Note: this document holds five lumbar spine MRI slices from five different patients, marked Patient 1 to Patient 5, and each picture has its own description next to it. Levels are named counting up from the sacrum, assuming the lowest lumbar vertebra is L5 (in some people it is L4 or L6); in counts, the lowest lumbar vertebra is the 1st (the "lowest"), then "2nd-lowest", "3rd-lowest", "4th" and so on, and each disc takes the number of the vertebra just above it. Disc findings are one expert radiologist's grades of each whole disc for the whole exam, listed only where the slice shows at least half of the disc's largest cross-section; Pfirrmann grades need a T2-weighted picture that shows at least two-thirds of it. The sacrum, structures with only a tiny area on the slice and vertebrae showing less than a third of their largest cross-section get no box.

Patient 1 of 5:
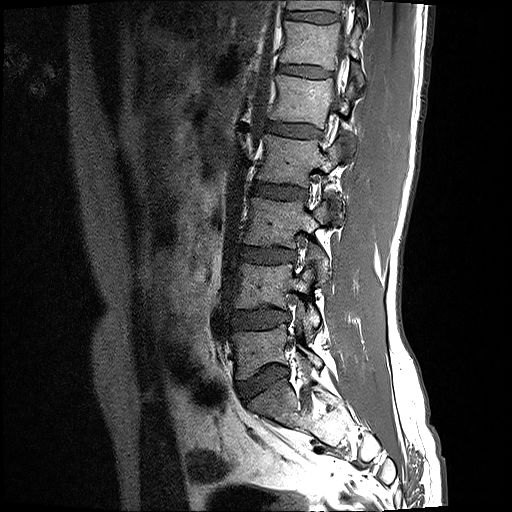 Sex M | Lumbar spine MR, T1-weighted, sagittal | Slice 6 of 17
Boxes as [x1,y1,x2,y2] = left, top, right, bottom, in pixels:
3rd-lowest vertebra at [244,197,335,282], 7th vertebra at [287,0,366,19], 6th disc at [278,65,329,78], lowest disc at [237,366,288,399], 5th vertebra at [270,75,355,128], 4th vertebra at [257,134,354,207], 3rd-lowest disc at [241,246,295,263], 6th vertebra at [281,21,364,87], 7th disc at [285,11,338,23], 4th disc at [253,182,306,198], 2nd-lowest vertebra at [234,263,319,337], 2nd-lowest disc at [231,309,289,329], 5th disc at [266,121,319,137], lowest vertebra at [232,324,322,379].

Radiological gradings:
- 2nd-lowest disc: disc bulging
- 3rd-lowest disc: disc bulging
- lowest disc: disc bulging
- 4th disc, 6th disc, 5th disc, 7th disc: no herniation, bulging, narrowing, spondylolisthesis, endplate or Modic change recorded

Patient 2 of 5:
MRI lumbar spine (T2-weighted), sagittal plane. Field of view 280x280 mm. Sex M. Sagittal slice index 9.

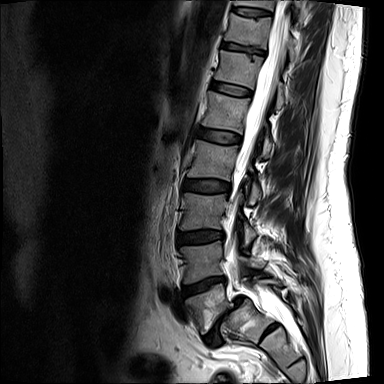
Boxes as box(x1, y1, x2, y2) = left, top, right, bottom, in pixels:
4th vertebra = box(187, 140, 260, 203).
4th disc = box(183, 179, 230, 193).
6th vertebra = box(215, 50, 284, 108).
2nd-lowest disc = box(183, 277, 226, 295).
Lowest disc = box(204, 297, 243, 346).
5th vertebra = box(202, 91, 272, 156).
8th disc = box(234, 7, 271, 16).
2nd-lowest vertebra = box(179, 241, 261, 283).
3rd-lowest vertebra = box(179, 193, 256, 243).
Lowest vertebra = box(186, 279, 283, 333).
8th vertebra = box(235, 0, 302, 17).
7th vertebra = box(224, 13, 296, 60).
7th disc = box(222, 42, 265, 55).
6th disc = box(212, 81, 251, 95).
5th disc = box(199, 128, 241, 143).
3rd-lowest disc = box(177, 230, 224, 244).
Thecal sac / spinal canal = box(225, 0, 299, 337).

Expert MSK radiologist gradings (per disc):
- 2nd-lowest disc: Pfirrmann grade 4, Modic type II, disc narrowing, lower-endplate change, upper-endplate change, disc herniation
- 3rd-lowest disc: Pfirrmann grade 2, disc bulging
- 6th disc: Pfirrmann grade 2
- 7th disc: Pfirrmann grade 3, disc narrowing, lower-endplate change
- 8th disc: Pfirrmann grade 3, upper-endplate change
- 4th disc: Pfirrmann grade 2, disc bulging
- 5th disc: Pfirrmann grade 2, disc bulging
- lowest disc: Pfirrmann grade 5, lower-endplate change, spondylolisthesis, Modic type II, disc narrowing, upper-endplate change, disc bulging

Patient 3 of 5:
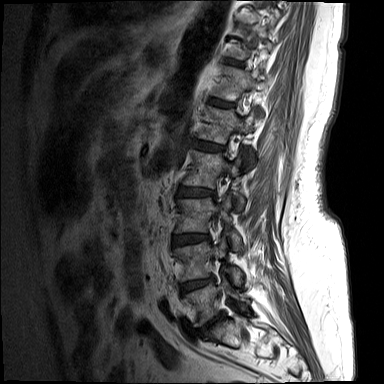 Image 384x384. Lumbar spine MR, T1-weighted, sagittal. Slice 11 of 15.

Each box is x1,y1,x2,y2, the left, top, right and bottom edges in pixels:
L4 vertebra at 174,237,242,285.
L2/L3 at 178,186,214,196.
T12 vertebra at 213,67,264,100.
Disc L4/L5 at 180,277,213,293.
Disc L3/L4 at 173,233,209,246.
L5/S1 at 197,313,223,335.
Disc T11/T12 at 226,59,241,65.
Thecal sac / spinal canal at 217,132,240,218.
L3 vertebra at 175,196,242,250.
L1 at 199,106,255,167.
T12/L1 at 210,99,234,107.
L5 at 183,279,248,326.
L2 at 183,150,244,209.
Disc L1/L2 at 193,141,224,150.

Degenerative findings by level:
• L3/L4: disc narrowing, disc bulging
• L4/L5: disc bulging, disc narrowing
• L1/L2: Modic type II
• L2/L3: disc bulging, Modic type II
• L5/S1: Modic type II, disc narrowing, disc bulging
• T12/L1: no Modic or endplate change, herniation, narrowing, bulging or spondylolisthesis recorded

Patient 4 of 5:
MRI lumbar spine (T2 SPACE (3D)), sagittal plane, Patient sex: F, Field of view 240x300 mm 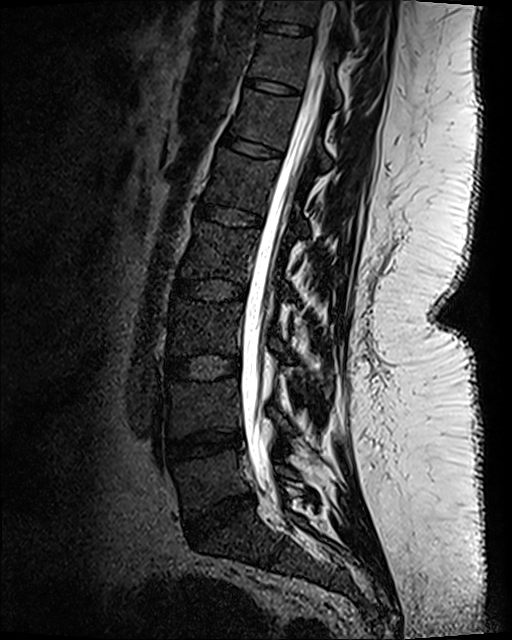
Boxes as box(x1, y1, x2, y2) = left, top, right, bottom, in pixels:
4th vertebra — box(181, 220, 294, 297).
4th disc — box(172, 277, 247, 301).
3rd-lowest disc — box(166, 355, 238, 381).
7th disc — box(245, 78, 299, 96).
6th vertebra — box(230, 89, 331, 166).
2nd-lowest vertebra — box(169, 379, 295, 436).
Lowest disc — box(186, 495, 254, 540).
Spinal canal — box(241, 1, 336, 494).
5th vertebra — box(207, 149, 309, 235).
2nd-lowest disc — box(166, 430, 239, 461).
7th vertebra — box(251, 34, 342, 107).
8th disc — box(261, 21, 313, 36).
8th vertebra — box(262, 0, 351, 29).
5th disc — box(193, 202, 263, 229).
3rd-lowest vertebra — box(169, 301, 326, 379).
Lowest vertebra — box(175, 451, 297, 519).
6th disc — box(221, 132, 282, 159).

Degenerative findings by level:
  8th disc: Pfirrmann grade 1
  6th disc: Pfirrmann grade 1
  lowest disc: Pfirrmann grade 4, disc narrowing, disc bulging
  2nd-lowest disc: Pfirrmann grade 3, disc narrowing, disc bulging
  7th disc: Pfirrmann grade 1
  5th disc: Pfirrmann grade 1
  3rd-lowest disc: Pfirrmann grade 1
  4th disc: Pfirrmann grade 1

Patient 5 of 5:
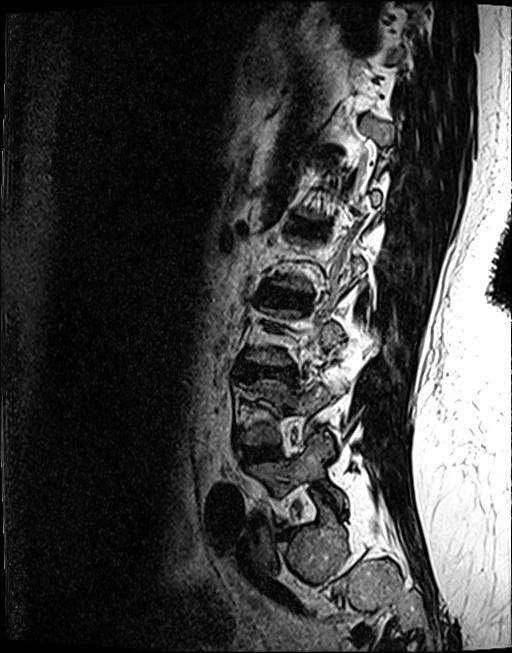 Lumbar spine MR, T2 SPACE (3D), sagittal

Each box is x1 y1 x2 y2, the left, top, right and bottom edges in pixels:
Annotations:
* L5 (lowest vertebra) at 246 434 343 521
* intervertebral disc L1/L2 (5th disc) at 295 221 313 229
* L3/L4 (3rd-lowest disc) at 240 365 295 378
* intervertebral disc L5/S1 (lowest disc) at 276 524 286 532
* L2/L3 (4th disc) at 258 289 310 306
* L4/L5 (2nd-lowest disc) at 242 445 280 462
* L4 (2nd-lowest vertebra) at 238 378 348 444

Degenerative findings by level:
  L2/L3 (4th disc): disc bulging, upper-endplate change, lower-endplate change
  L3/L4 (3rd-lowest disc): Modic type II, lower-endplate change, disc narrowing, disc bulging, upper-endplate change